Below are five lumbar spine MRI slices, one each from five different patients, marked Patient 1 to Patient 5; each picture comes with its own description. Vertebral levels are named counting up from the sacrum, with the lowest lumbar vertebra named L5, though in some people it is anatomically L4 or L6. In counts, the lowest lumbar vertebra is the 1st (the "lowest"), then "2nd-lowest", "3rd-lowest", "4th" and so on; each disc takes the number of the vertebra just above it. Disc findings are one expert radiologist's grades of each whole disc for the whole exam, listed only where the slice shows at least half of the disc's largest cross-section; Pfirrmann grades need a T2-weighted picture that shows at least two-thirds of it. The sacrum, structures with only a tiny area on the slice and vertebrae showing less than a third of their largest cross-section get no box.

Patient 1 of 5:
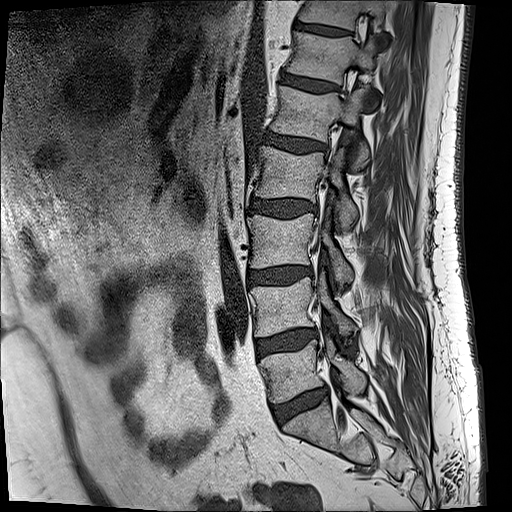
Lumbar spine MR, T1-weighted, sagittal, Patient sex: M

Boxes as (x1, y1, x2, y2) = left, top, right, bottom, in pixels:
Annotations:
• 3rd-lowest vertebra = (247, 213, 353, 283)
• 6th vertebra = (286, 31, 374, 83)
• 3rd-lowest disc = (248, 267, 305, 284)
• 6th disc = (281, 74, 336, 91)
• lowest vertebra = (259, 334, 366, 402)
• 5th disc = (265, 131, 323, 154)
• 5th vertebra = (270, 86, 368, 170)
• 2nd-lowest disc = (256, 330, 315, 358)
• lowest disc = (272, 390, 326, 424)
• 7th vertebra = (297, 0, 384, 31)
• 7th disc = (294, 21, 349, 35)
• 2nd-lowest vertebra = (251, 275, 356, 336)
• 4th disc = (249, 197, 316, 217)
• 4th vertebra = (254, 146, 357, 229)

Per-level radiological findings:
- 5th disc: disc bulging
- 4th disc: disc bulging
- 3rd-lowest disc: Modic type II, disc bulging
- 2nd-lowest disc: Modic type II, disc bulging
- lowest disc: disc narrowing, disc bulging, Modic type II
- 6th disc, 7th disc: no herniation, bulging, narrowing, spondylolisthesis, endplate or Modic change recorded

Patient 2 of 5:
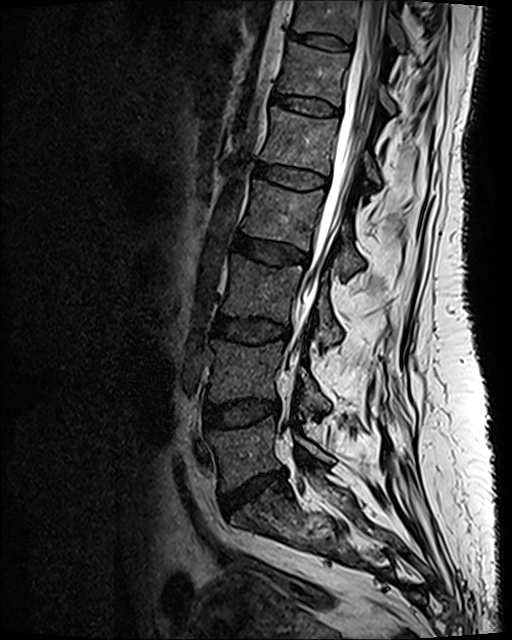 Field of view 240x300 mm | Sagittal T2 SPACE (3D) lumbar spine MRI | 512x640 px
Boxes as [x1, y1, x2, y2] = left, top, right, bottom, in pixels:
Intervertebral disc L3/L4 at [214, 317, 288, 343], intervertebral disc L4/L5 at [206, 401, 280, 427], L2/L3 at [236, 234, 309, 264], intervertebral disc L1/L2 at [255, 163, 327, 189], L1 vertebra at [260, 107, 380, 184], T12 at [277, 42, 395, 113], L2 at [243, 181, 363, 274], L3 vertebra at [222, 255, 341, 345], L5/S1 at [222, 470, 285, 512], T12/L1 at [273, 94, 340, 115], T11 at [293, 0, 405, 52], L4 vertebra at [210, 340, 330, 414], spinal canal at [288, 0, 385, 372], T11/T12 at [288, 31, 351, 51], L5 vertebra at [209, 419, 332, 490].

Radiological gradings:
- T12/L1: Pfirrmann grade 2
- L4/L5: Pfirrmann grade 3, disc bulging
- L1/L2: Pfirrmann grade 2
- T11/T12: Pfirrmann grade 2
- L2/L3: Pfirrmann grade 3, disc bulging
- L5/S1: disc narrowing, disc herniation, lower-endplate change, upper-endplate change
- L3/L4: Pfirrmann grade 3

Patient 3 of 5:
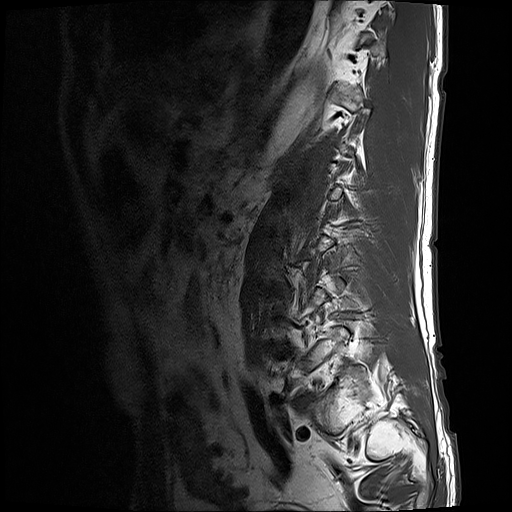
512x512 px, MRI lumbar spine (T1-weighted), sagittal plane
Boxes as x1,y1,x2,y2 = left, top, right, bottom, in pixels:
Annotations:
- 3rd-lowest disc = 264,283,285,291
- 2nd-lowest disc = 271,345,295,357
- lowest disc = 295,394,313,409

Patient 4 of 5:
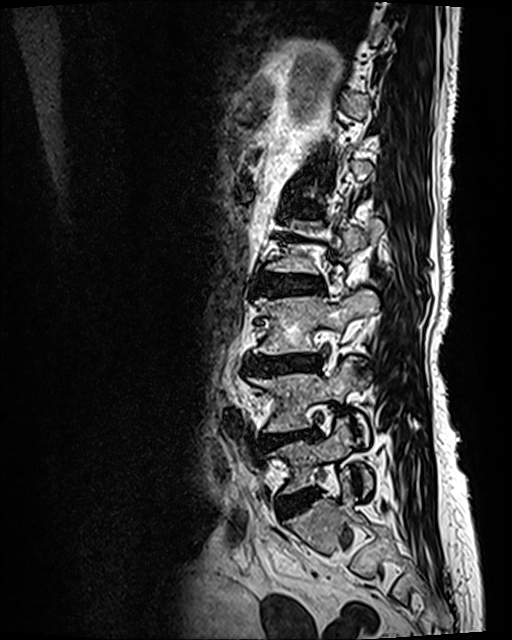 MRI lumbar spine (T2 SPACE (3D)), sagittal plane. Slice 38 of 120.

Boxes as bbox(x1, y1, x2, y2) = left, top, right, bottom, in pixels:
L3/L4 (3rd-lowest disc): bbox(245, 354, 321, 375).
IVD L5/S1 (lowest disc): bbox(280, 490, 315, 517).
L4/L5 (2nd-lowest disc): bbox(260, 429, 319, 448).
L4 (2nd-lowest vertebra): bbox(247, 357, 371, 445).
L5 (lowest vertebra): bbox(270, 418, 373, 494).
L2/L3 (4th disc): bbox(261, 272, 321, 293).
IVD L1/L2 (5th disc): bbox(288, 201, 321, 216).
L3 (3rd-lowest vertebra): bbox(256, 289, 379, 353).

Degenerative findings by level:
- L2/L3 (4th disc): Pfirrmann grade 3, upper-endplate change, disc bulging, Modic type II, lower-endplate change
- L3/L4 (3rd-lowest disc): Pfirrmann grade 4, disc narrowing, lower-endplate change, disc bulging, upper-endplate change, Modic type II

Patient 5 of 5:
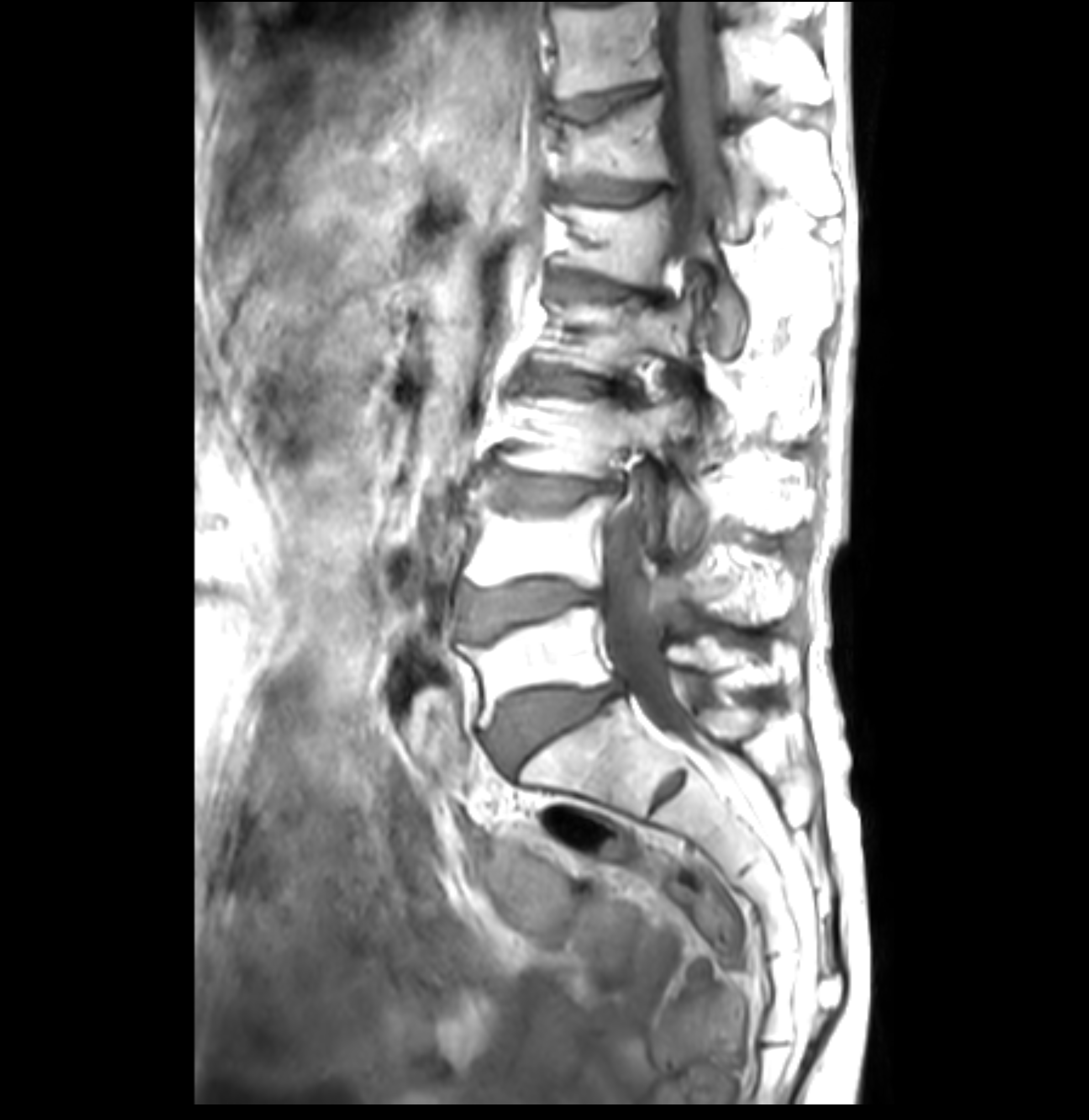 Patient sex: F | MRI lumbar spine (T1-weighted), sagittal plane
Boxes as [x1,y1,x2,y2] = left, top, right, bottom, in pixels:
L1 vertebra = [562,195,743,351].
L4 = [464,483,792,618].
Intervertebral disc L3/L4 = [491,465,620,511].
L2 = [549,295,809,431].
L5 = [459,606,724,726].
T12/L1 = [562,177,678,203].
L5/S1 = [489,683,620,769].
T12 vertebra = [552,92,811,237].
L1/L2 = [559,275,668,303].
T11 = [554,1,833,108].
L4/L5 = [462,581,605,634].
Thecal sac / spinal canal = [605,1,726,732].
Intervertebral disc T11/T12 = [559,83,666,122].
L2/L3 = [530,372,639,404].
L3 = [499,396,809,548].

Expert MSK radiologist gradings (per disc):
- T12/L1: upper-endplate change, Modic type II, lower-endplate change
- T11/T12: upper-endplate change, Modic type II, lower-endplate change
- L4/L5: lower-endplate change, disc bulging, upper-endplate change, Modic type II
- L3/L4: disc bulging, Modic type II, lower-endplate change, disc narrowing, upper-endplate change
- L5/S1: lower-endplate change, Modic type II, disc bulging, upper-endplate change